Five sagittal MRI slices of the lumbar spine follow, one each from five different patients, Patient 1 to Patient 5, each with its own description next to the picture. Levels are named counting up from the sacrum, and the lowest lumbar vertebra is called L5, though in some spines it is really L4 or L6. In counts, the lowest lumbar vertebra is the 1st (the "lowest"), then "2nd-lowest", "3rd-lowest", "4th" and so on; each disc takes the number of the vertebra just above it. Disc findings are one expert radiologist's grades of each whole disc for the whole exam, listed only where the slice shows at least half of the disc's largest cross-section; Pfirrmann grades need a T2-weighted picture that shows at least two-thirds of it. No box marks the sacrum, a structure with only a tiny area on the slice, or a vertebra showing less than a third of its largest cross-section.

Patient 1 of 5:
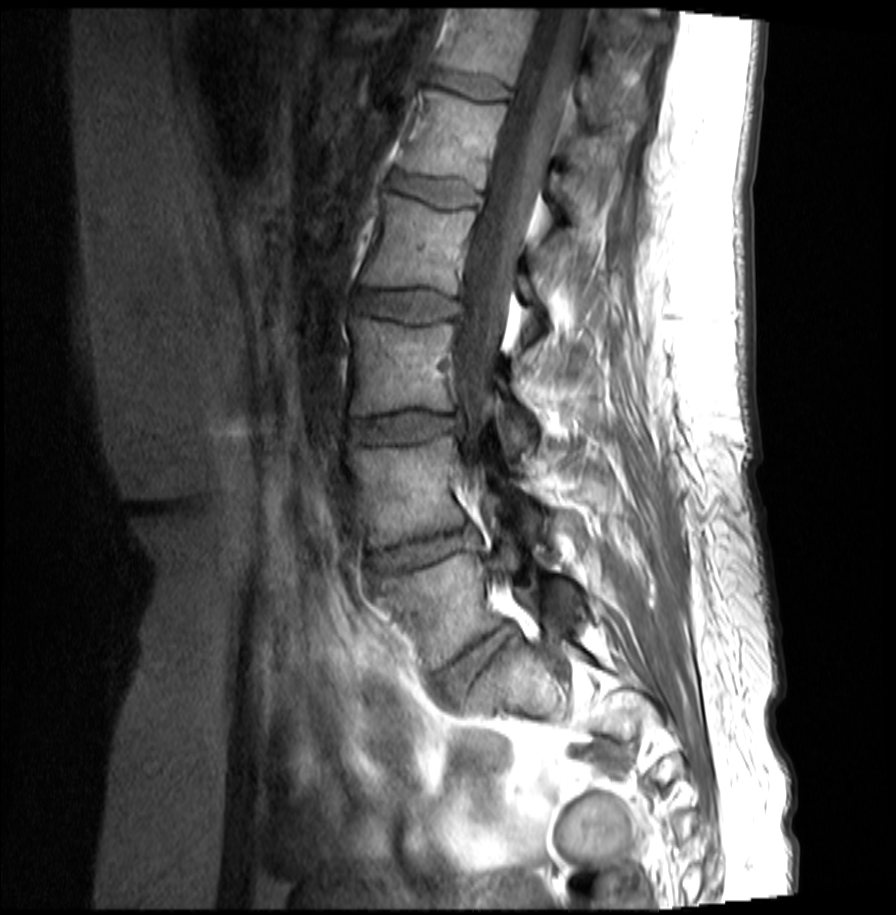 Slice 11/23; Sagittal T1-weighted lumbar spine MRI

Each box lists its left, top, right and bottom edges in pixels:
L2: left=363, top=192, right=539, bottom=302.
L1: left=401, top=86, right=593, bottom=224.
Disc L1/L2: left=391, top=172, right=481, bottom=208.
Disc L3/L4: left=350, top=414, right=460, bottom=441.
L4: left=345, top=434, right=544, bottom=550.
L5 vertebra: left=378, top=540, right=522, bottom=666.
T12 vertebra: left=436, top=8, right=634, bottom=127.
L5/S1: left=440, top=626, right=510, bottom=697.
Disc T12/L1: left=432, top=70, right=512, bottom=102.
Thecal sac / spinal canal: left=460, top=8, right=587, bottom=466.
L2/L3: left=357, top=289, right=460, bottom=322.
L3 vertebra: left=350, top=314, right=533, bottom=450.
L4/L5: left=372, top=531, right=475, bottom=572.

Radiological gradings:
- L3/L4: disc bulging
- L4/L5: disc herniation
- L1/L2, T12/L1, L2/L3: no herniation, bulging, narrowing, spondylolisthesis, endplate or Modic change recorded

Patient 2 of 5:
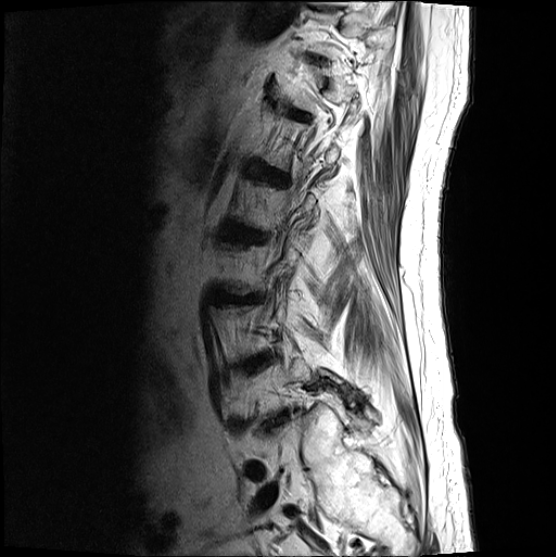 T2-weighted sagittal MRI of the lumbar spine | Image 556x557 | Sagittal slice index 18
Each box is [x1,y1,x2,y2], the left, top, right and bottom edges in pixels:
L4/L5 at [250,356,264,366], intervertebral disc T12/L1 at [293,111,306,119], intervertebral disc L3/L4 at [224,295,253,303].

Patient 3 of 5:
MRI lumbar spine (T1-weighted), sagittal plane, Patient sex: F 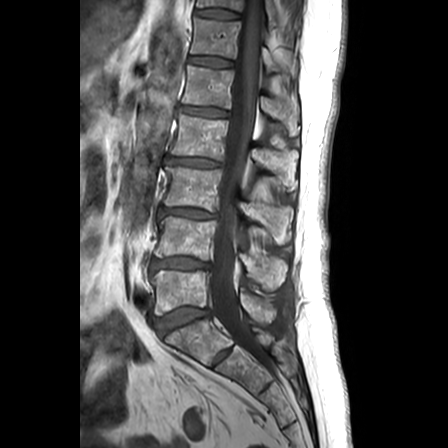 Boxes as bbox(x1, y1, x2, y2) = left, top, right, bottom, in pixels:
Lowest vertebra: bbox(152, 270, 276, 322).
2nd-lowest disc: bbox(151, 257, 209, 271).
2nd-lowest vertebra: bbox(155, 216, 287, 290).
3rd-lowest disc: bbox(160, 206, 217, 218).
Spinal canal: bbox(209, 0, 261, 360).
6th vertebra: bbox(191, 18, 292, 72).
4th vertebra: bbox(172, 111, 298, 189).
Lowest disc: bbox(156, 307, 209, 335).
5th vertebra: bbox(182, 65, 299, 135).
5th disc: bbox(179, 106, 228, 116).
7th vertebra: bbox(197, 0, 276, 25).
6th disc: bbox(189, 56, 231, 66).
4th disc: bbox(168, 157, 223, 166).
7th disc: bbox(195, 9, 237, 18).
3rd-lowest vertebra: bbox(164, 166, 293, 243).

Per-level radiological findings:
- 5th disc: disc narrowing, disc bulging
- lowest disc: Modic type II, upper-endplate change, lower-endplate change
- 2nd-lowest disc: disc bulging, lower-endplate change, Modic type II, upper-endplate change
- 3rd-lowest disc: Modic type II, lower-endplate change, disc narrowing, upper-endplate change, disc bulging
- 4th disc: disc bulging, disc narrowing, Modic type II, upper-endplate change, lower-endplate change
- 6th disc, 7th disc: no Modic or endplate change, herniation, narrowing, bulging or spondylolisthesis recorded

Patient 4 of 5:
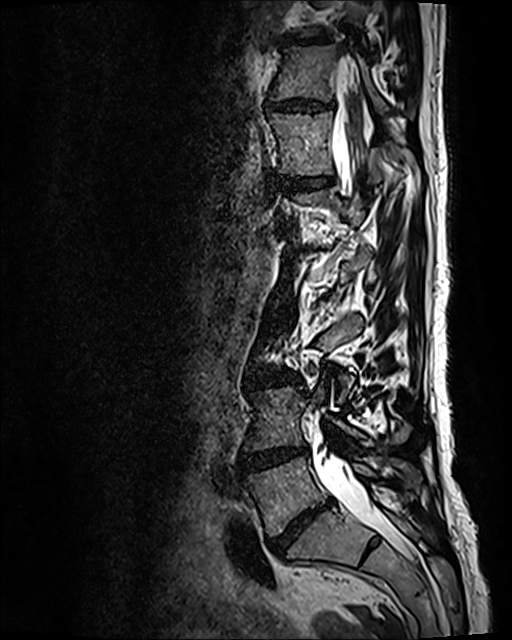 Sagittal T2 SPACE (3D) lumbar spine MRI | Sagittal slice index 75
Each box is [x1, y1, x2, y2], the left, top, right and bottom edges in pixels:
L4/L5 at [239, 448, 307, 474], T11 vertebra at [271, 44, 413, 114], T12/L1 at [277, 177, 331, 193], IVD T10/T11 at [284, 36, 330, 45], L5/S1 at [270, 502, 330, 554], IVD L3/L4 at [246, 369, 299, 387], L5 vertebra at [245, 456, 416, 536], thecal sac / spinal canal at [312, 55, 411, 558], T12 vertebra at [268, 112, 384, 183], IVD L1/L2 at [291, 247, 322, 254], T11/T12 at [265, 98, 334, 111], L4 vertebra at [244, 381, 409, 451].

Per-level radiological findings:
  T11/T12: Pfirrmann grade 3, disc narrowing, disc bulging
  L4/L5: Pfirrmann grade 4, Modic type II, disc bulging, disc narrowing
  L5/S1: Pfirrmann grade 5, lower-endplate change, disc narrowing, disc bulging, Modic type II, upper-endplate change
  T12/L1: no spondylolisthesis, narrowing, bulging, herniation, Modic or endplate change recorded

Patient 5 of 5:
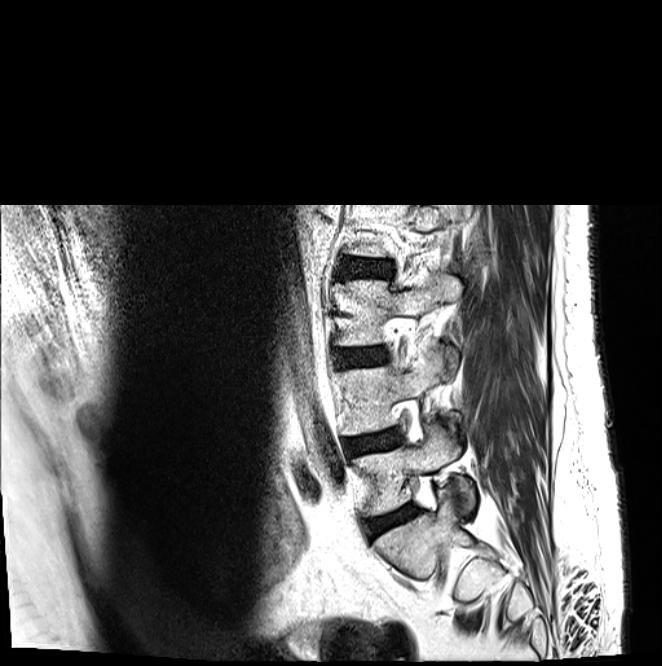 Sex M | Sagittal T2-weighted lumbar spine MRI
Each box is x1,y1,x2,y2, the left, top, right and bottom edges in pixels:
Annotations:
* lowest vertebra at 353,422,474,516
* 3rd-lowest disc at 340,348,387,366
* 2nd-lowest vertebra at 341,345,447,435
* lowest disc at 367,505,415,537
* 2nd-lowest disc at 345,429,401,455
* 4th disc at 344,259,390,275

Expert MSK radiologist gradings (per disc):
• 2nd-lowest disc: Modic type II, disc bulging